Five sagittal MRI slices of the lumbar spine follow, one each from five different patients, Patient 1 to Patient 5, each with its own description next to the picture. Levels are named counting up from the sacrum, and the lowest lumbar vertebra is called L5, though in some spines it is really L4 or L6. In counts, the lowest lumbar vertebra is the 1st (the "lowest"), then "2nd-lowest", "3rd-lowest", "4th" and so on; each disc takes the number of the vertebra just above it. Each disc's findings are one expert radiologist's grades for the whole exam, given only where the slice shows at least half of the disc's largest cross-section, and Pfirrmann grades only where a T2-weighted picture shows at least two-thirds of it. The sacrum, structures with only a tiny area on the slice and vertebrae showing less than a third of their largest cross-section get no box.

Patient 1 of 5:
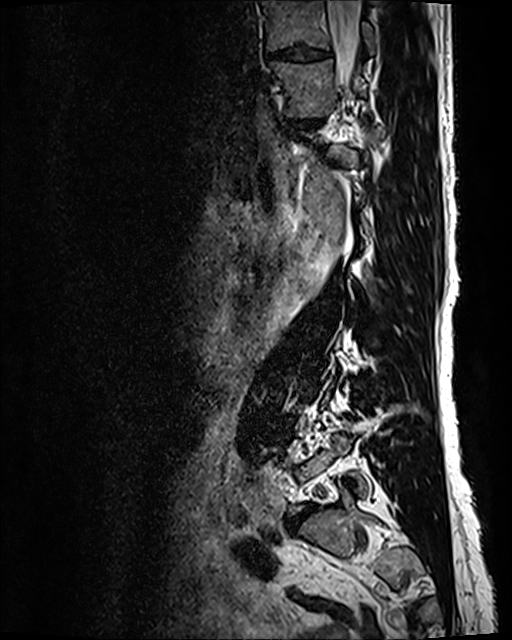 Sagittal slice index 96; MRI lumbar spine (T2 SPACE (3D)), sagittal plane
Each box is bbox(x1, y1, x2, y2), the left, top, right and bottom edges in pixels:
{"T10 vertebra": "bbox(262, 1, 374, 53)", "spinal canal": "bbox(328, 1, 361, 87)", "disc T11/T12": "bbox(292, 120, 322, 128)", "T10/T11": "bbox(266, 47, 330, 61)", "T11 vertebra": "bbox(271, 60, 366, 117)", "L5/S1": "bbox(292, 508, 312, 525)"}

Degenerative findings by level:
• T10/T11: Pfirrmann grade 3, disc bulging, disc narrowing

Patient 2 of 5:
Patient sex: F | Lumbar spine MR, T2 SPACE (3D), sagittal | Slice 51/120
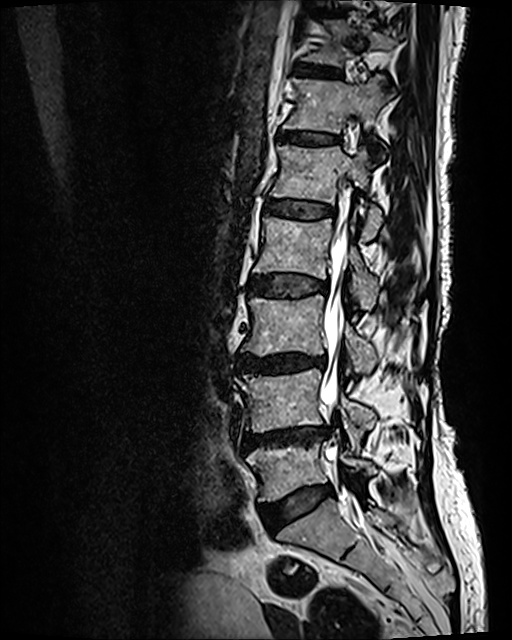
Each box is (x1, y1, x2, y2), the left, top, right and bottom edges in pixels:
{"disc T12/L1": "(280, 132, 337, 145)", "disc L4/L5": "(241, 427, 329, 450)", "L5/S1": "(260, 486, 331, 528)", "L4 vertebra": "(235, 369, 376, 449)", "disc L3/L4": "(236, 352, 326, 373)", "T11 vertebra": "(302, 20, 396, 66)", "L1 vertebra": "(271, 145, 382, 240)", "thecal sac / spinal canal": "(320, 217, 371, 527)", "disc L2/L3": "(253, 274, 327, 297)", "L5": "(246, 443, 376, 500)", "disc T11/T12": "(296, 65, 340, 77)", "L2": "(254, 214, 378, 308)", "disc L1/L2": "(266, 200, 334, 219)", "L3": "(242, 294, 378, 374)", "T12": "(284, 76, 395, 132)"}

Expert MSK radiologist gradings (per disc):
• T12/L1: Pfirrmann grade 2, upper-endplate change, lower-endplate change, Modic type II
• L2/L3: Pfirrmann grade 3, upper-endplate change, Modic type II, lower-endplate change, disc bulging
• T11/T12: upper-endplate change, Modic type II, lower-endplate change
• L3/L4: Pfirrmann grade 4, disc narrowing, lower-endplate change, upper-endplate change, Modic type II, disc bulging
• L1/L2: Pfirrmann grade 3, lower-endplate change, upper-endplate change, Modic type II
• L5/S1: Pfirrmann grade 2, disc bulging
• L4/L5: Pfirrmann grade 4, disc narrowing, disc bulging, lower-endplate change, Modic type II, upper-endplate change

Patient 3 of 5:
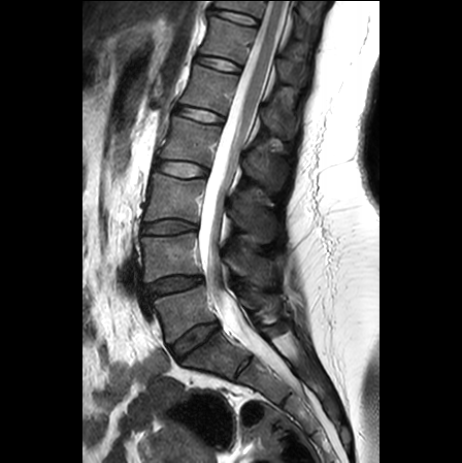 Sagittal T2-weighted lumbar spine MRI, Image 462x463, Field of view 280x281 mm, slice spacing 3.3 mm

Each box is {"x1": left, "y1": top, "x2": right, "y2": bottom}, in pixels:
Segmented structures:
- L2 vertebra — {"x1": 160, "y1": 116, "x2": 287, "y2": 190}
- spinal canal — {"x1": 198, "y1": 1, "x2": 289, "y2": 377}
- L1 vertebra — {"x1": 180, "y1": 64, "x2": 297, "y2": 141}
- intervertebral disc L2/L3 — {"x1": 156, "y1": 160, "x2": 206, "y2": 176}
- L3 vertebra — {"x1": 144, "y1": 173, "x2": 276, "y2": 242}
- intervertebral disc L1/L2 — {"x1": 176, "y1": 106, "x2": 223, "y2": 122}
- L5 vertebra — {"x1": 155, "y1": 285, "x2": 278, "y2": 342}
- L5/S1 — {"x1": 171, "y1": 321, "x2": 219, "y2": 360}
- T11/T12 — {"x1": 212, "y1": 9, "x2": 257, "y2": 25}
- T12/L1 — {"x1": 196, "y1": 55, "x2": 239, "y2": 71}
- intervertebral disc L3/L4 — {"x1": 142, "y1": 220, "x2": 196, "y2": 234}
- intervertebral disc L4/L5 — {"x1": 145, "y1": 276, "x2": 202, "y2": 297}
- T11 vertebra — {"x1": 216, "y1": 0, "x2": 324, "y2": 42}
- T12 vertebra — {"x1": 200, "y1": 16, "x2": 304, "y2": 82}
- L4 — {"x1": 141, "y1": 232, "x2": 274, "y2": 281}

Expert MSK radiologist gradings (per disc):
• L3/L4: Pfirrmann grade 1
• L4/L5: Pfirrmann grade 3, disc narrowing, disc bulging
• T12/L1: Pfirrmann grade 1
• L5/S1: Pfirrmann grade 3, disc narrowing, disc bulging
• L2/L3: Pfirrmann grade 1
• T11/T12: Pfirrmann grade 1
• L1/L2: Pfirrmann grade 1

Patient 4 of 5:
T2-weighted sagittal MRI of the lumbar spine, Image 448x448, Sex F, Field of view 280x280 mm, Philips Healthcare Ingenia (3T)

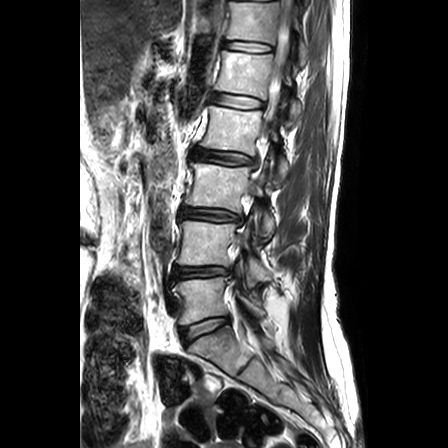

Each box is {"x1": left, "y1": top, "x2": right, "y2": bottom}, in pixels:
T12 vertebra at {"x1": 227, "y1": 2, "x2": 308, "y2": 65}, L2 at {"x1": 200, "y1": 105, "x2": 288, "y2": 185}, L3 at {"x1": 185, "y1": 161, "x2": 274, "y2": 240}, intervertebral disc L4/L5 at {"x1": 174, "y1": 267, "x2": 231, "y2": 279}, L4 at {"x1": 177, "y1": 215, "x2": 271, "y2": 287}, intervertebral disc L2/L3 at {"x1": 192, "y1": 149, "x2": 254, "y2": 164}, thecal sac / spinal canal at {"x1": 271, "y1": 23, "x2": 289, "y2": 95}, intervertebral disc L5/S1 at {"x1": 181, "y1": 316, "x2": 229, "y2": 344}, intervertebral disc L1/L2 at {"x1": 213, "y1": 93, "x2": 263, "y2": 108}, L5 vertebra at {"x1": 174, "y1": 270, "x2": 265, "y2": 324}, T12/L1 at {"x1": 226, "y1": 42, "x2": 271, "y2": 51}, L3/L4 at {"x1": 181, "y1": 207, "x2": 240, "y2": 222}, L1 at {"x1": 215, "y1": 50, "x2": 302, "y2": 124}.

Degenerative findings by level:
- L1/L2: Pfirrmann grade 2, lower-endplate change, Modic type II, upper-endplate change
- L3/L4: Pfirrmann grade 3, lower-endplate change, disc bulging, upper-endplate change
- L4/L5: disc herniation, upper-endplate change, disc narrowing, lower-endplate change
- T12/L1: Pfirrmann grade 2, Modic type II
- L5/S1: Pfirrmann grade 2
- L2/L3: Pfirrmann grade 3, lower-endplate change, upper-endplate change, Modic type II, disc bulging

Patient 5 of 5:
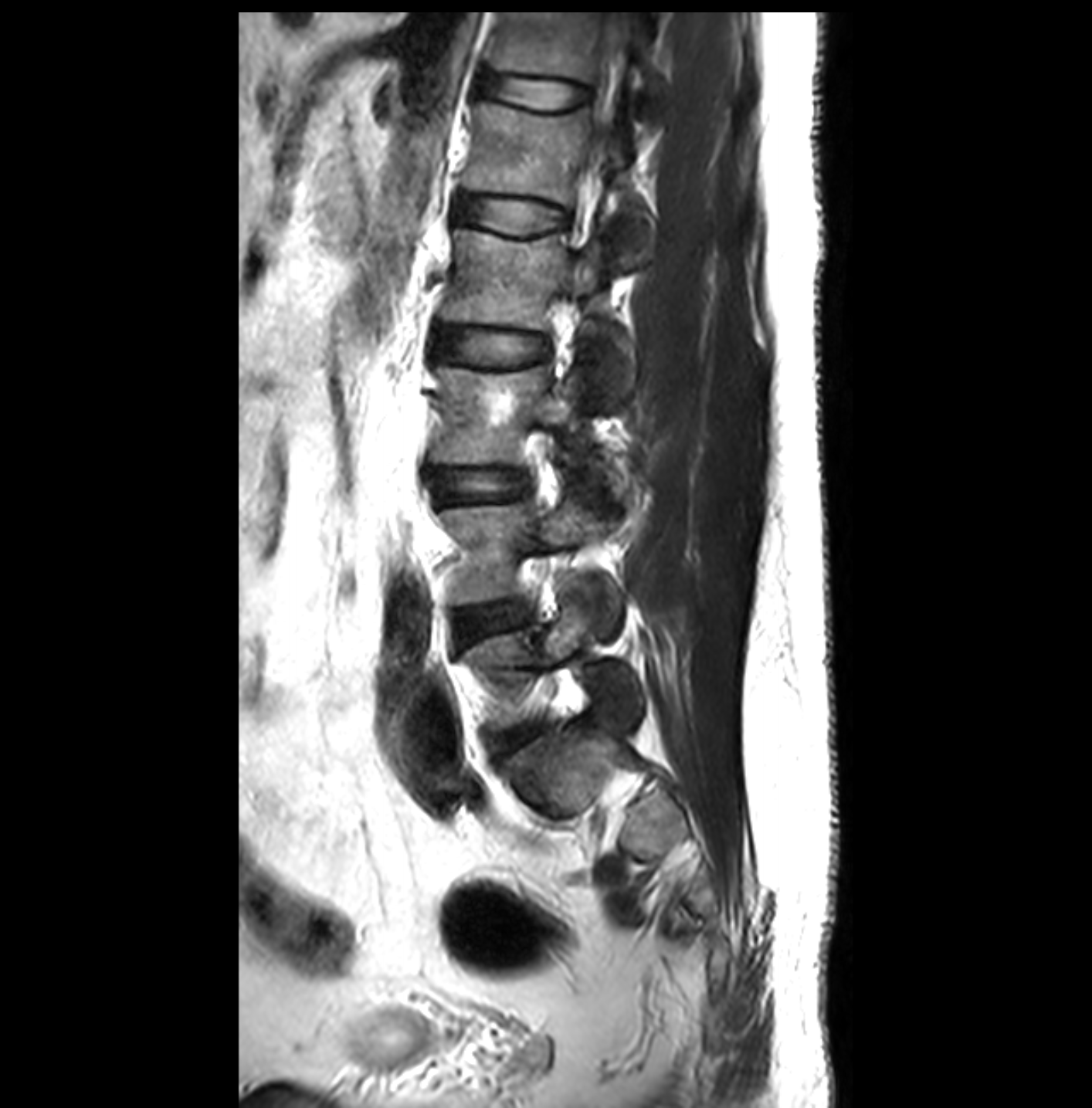 Field of view 320x325 mm, slice spacing 3.3 mm | Lumbar spine MR, T2-weighted, sagittal | Patient sex: M | 1092x1108 px
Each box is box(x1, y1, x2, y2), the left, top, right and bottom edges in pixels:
Segmented structures:
• IVD L3/L4: box(433, 471, 526, 500)
• T12/L1: box(480, 72, 589, 108)
• L4/L5: box(452, 600, 528, 639)
• L5: box(463, 598, 643, 733)
• thecal sac / spinal canal: box(585, 12, 639, 176)
• L4: box(440, 496, 623, 635)
• L3: box(433, 367, 581, 466)
• L2 vertebra: box(440, 227, 634, 398)
• L2/L3: box(439, 330, 548, 364)
• T12 vertebra: box(488, 12, 663, 107)
• IVD L1/L2: box(457, 197, 569, 233)
• L1: box(464, 100, 651, 262)
• IVD L5/S1: box(490, 720, 547, 760)

Per-level radiological findings:
  T12/L1: Pfirrmann grade 1
  L1/L2: Pfirrmann grade 1
  L2/L3: Pfirrmann grade 1
  L3/L4: no spondylolisthesis, narrowing, bulging, herniation, Modic or endplate change recorded